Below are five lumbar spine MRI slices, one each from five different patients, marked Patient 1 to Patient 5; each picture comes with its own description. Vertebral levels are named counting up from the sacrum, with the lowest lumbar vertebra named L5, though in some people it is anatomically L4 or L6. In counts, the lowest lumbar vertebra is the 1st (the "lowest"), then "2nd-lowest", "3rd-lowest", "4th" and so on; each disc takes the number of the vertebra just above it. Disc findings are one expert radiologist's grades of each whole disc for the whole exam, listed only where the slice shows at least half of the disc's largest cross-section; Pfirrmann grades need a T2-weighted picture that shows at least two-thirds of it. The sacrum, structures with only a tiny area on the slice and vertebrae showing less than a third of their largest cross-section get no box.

Patient 1 of 5:
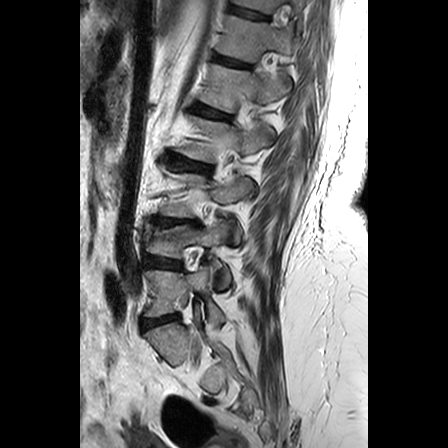
Slice spacing 3.3 mm, MRI lumbar spine (T2-weighted), sagittal plane, Patient sex: F

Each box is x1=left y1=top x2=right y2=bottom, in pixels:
L1 (5th vertebra): x1=200 y1=64 x2=290 y2=112.
L4 (2nd-lowest vertebra): x1=144 y1=220 x2=231 y2=287.
Disc L5/S1 (lowest disc): x1=143 y1=314 x2=178 y2=328.
Disc L4/L5 (2nd-lowest disc): x1=143 y1=255 x2=180 y2=269.
L2 (4th vertebra): x1=179 y1=116 x2=272 y2=162.
Disc L3/L4 (3rd-lowest disc): x1=154 y1=218 x2=196 y2=226.
T12 (6th vertebra): x1=217 y1=15 x2=296 y2=62.
L5 (lowest vertebra): x1=144 y1=265 x2=224 y2=326.
L2/L3 (4th disc): x1=168 y1=155 x2=209 y2=172.
L1/L2 (5th disc): x1=195 y1=104 x2=230 y2=119.
Disc T12/L1 (6th disc): x1=215 y1=56 x2=250 y2=68.
T11 (7th vertebra): x1=234 y1=0 x2=304 y2=13.
L3 (3rd-lowest vertebra): x1=161 y1=167 x2=252 y2=242.
T11/T12 (7th disc): x1=229 y1=5 x2=269 y2=19.

Per-level radiological findings:
- T12/L1 (6th disc): lower-endplate change, upper-endplate change
- L1/L2 (5th disc): upper-endplate change
- L2/L3 (4th disc): Pfirrmann grade 3, lower-endplate change, upper-endplate change
- T11/T12 (7th disc): Pfirrmann grade 3, lower-endplate change

Patient 2 of 5:
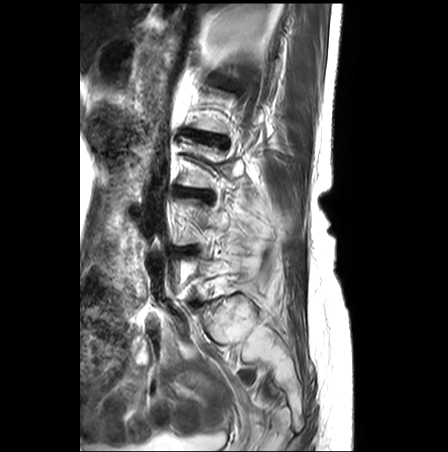 Patient sex: F | Lumbar spine MR, T2-weighted, sagittal | Image 448x452
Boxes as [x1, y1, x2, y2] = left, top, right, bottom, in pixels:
Structures:
* 4th disc at [188, 132, 219, 142]
* 3rd-lowest disc at [175, 187, 211, 200]

Per-level radiological findings:
  3rd-lowest disc: Modic type II, disc narrowing, lower-endplate change, disc bulging, upper-endplate change

Patient 3 of 5:
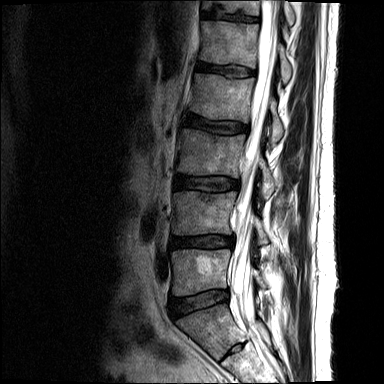

Slice 8/16; Image 384x384; Lumbar spine MR, T2-weighted, sagittal
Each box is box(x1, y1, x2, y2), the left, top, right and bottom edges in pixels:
• L2/L3 at box(184, 113, 247, 133)
• T12 at box(203, 0, 294, 25)
• spinal canal at box(231, 0, 279, 326)
• disc L1/L2 at box(196, 62, 254, 76)
• L2 at box(191, 74, 282, 143)
• disc L5/S1 at box(169, 291, 228, 316)
• L4 at box(173, 191, 267, 244)
• disc T12/L1 at box(202, 12, 257, 21)
• L4/L5 at box(170, 236, 232, 247)
• L3 vertebra at box(176, 129, 274, 198)
• L1 vertebra at box(200, 21, 291, 83)
• disc L3/L4 at box(175, 175, 238, 191)
• L5 at box(171, 249, 265, 295)

Degenerative findings by level:
• T12/L1: Pfirrmann grade 3, lower-endplate change, upper-endplate change
• L3/L4: Pfirrmann grade 3, upper-endplate change
• L1/L2: Pfirrmann grade 3, upper-endplate change
• L5/S1: Pfirrmann grade 3, disc bulging
• L2/L3: Pfirrmann grade 3, upper-endplate change
• L4/L5: Pfirrmann grade 3, disc narrowing, disc bulging, disc herniation

Patient 4 of 5:
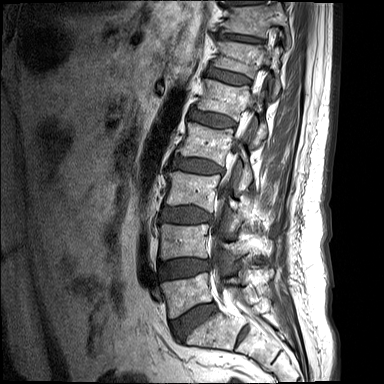

Lumbar spine MR, T1-weighted, sagittal, Sagittal slice index 9
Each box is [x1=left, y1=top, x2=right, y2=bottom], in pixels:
Intervertebral disc T11/T12 = [x1=219, y1=33, x2=262, y2=43].
L5 vertebra = [x1=161, y1=271, x2=244, y2=318].
L1/L2 = [x1=190, y1=111, x2=235, y2=127].
L5/S1 = [x1=171, y1=303, x2=216, y2=339].
L4 vertebra = [x1=160, y1=224, x2=242, y2=259].
L3 = [x1=165, y1=171, x2=244, y2=222].
L2 = [x1=176, y1=122, x2=251, y2=190].
L3/L4 = [x1=161, y1=207, x2=211, y2=223].
L4/L5 = [x1=159, y1=259, x2=210, y2=279].
Intervertebral disc L2/L3 = [x1=174, y1=158, x2=224, y2=173].
T12 = [x1=214, y1=41, x2=280, y2=97].
L1 vertebra = [x1=198, y1=79, x2=266, y2=144].
Thecal sac / spinal canal = [x1=211, y1=68, x2=265, y2=299].
Intervertebral disc T12/L1 = [x1=208, y1=68, x2=250, y2=85].
T11 vertebra = [x1=224, y1=2, x2=291, y2=48].

Expert MSK radiologist gradings (per disc):
  L5/S1: disc bulging
  T11/T12: lower-endplate change, upper-endplate change, disc narrowing
  L1/L2: upper-endplate change, lower-endplate change
  L3/L4: lower-endplate change, upper-endplate change, disc bulging
  L2/L3: lower-endplate change, upper-endplate change, disc bulging
  L4/L5: disc bulging
  T12/L1: no herniation, bulging, narrowing, spondylolisthesis, endplate or Modic change recorded

Patient 5 of 5:
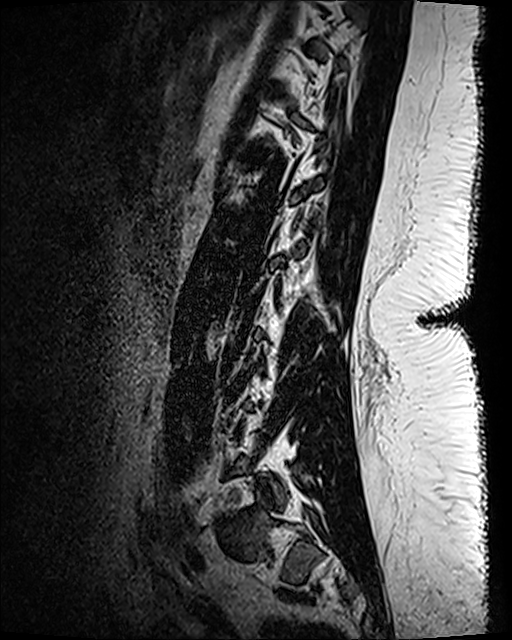 Lumbar spine MR, T2 SPACE (3D), sagittal | Field of view 240x300 mm

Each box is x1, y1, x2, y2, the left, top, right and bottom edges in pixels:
{"T11/T12 (7th disc)": "273, 83, 282, 90", "T12/L1 (6th disc)": "246, 147, 260, 155"}